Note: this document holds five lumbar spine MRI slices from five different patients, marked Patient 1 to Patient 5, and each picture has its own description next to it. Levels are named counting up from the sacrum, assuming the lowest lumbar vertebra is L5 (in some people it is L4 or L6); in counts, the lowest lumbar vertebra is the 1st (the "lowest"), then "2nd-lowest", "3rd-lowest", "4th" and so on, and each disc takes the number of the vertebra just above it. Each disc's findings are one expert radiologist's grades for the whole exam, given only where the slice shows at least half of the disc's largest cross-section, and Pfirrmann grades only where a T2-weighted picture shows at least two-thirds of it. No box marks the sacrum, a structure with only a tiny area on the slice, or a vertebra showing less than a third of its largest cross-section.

Patient 1 of 5:
Sex M. Image 448x448. Slice 17/24. T2-weighted sagittal MRI of the lumbar spine. Philips Healthcare Ingenia (3T).
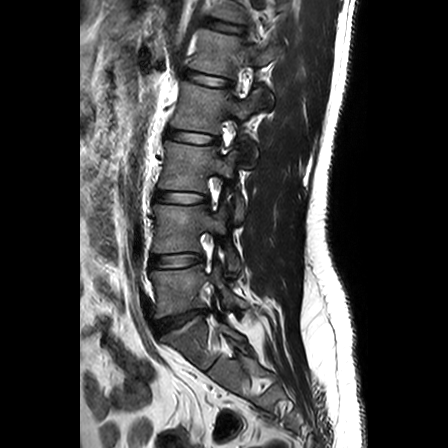
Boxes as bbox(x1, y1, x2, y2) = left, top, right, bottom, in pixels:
3rd-lowest vertebra at bbox(158, 141, 243, 219).
4th disc at bbox(166, 129, 217, 143).
5th vertebra at bbox(190, 28, 281, 110).
5th disc at bbox(182, 70, 231, 86).
Lowest disc at bbox(156, 310, 206, 333).
6th vertebra at bbox(210, 0, 282, 23).
2nd-lowest disc at bbox(150, 254, 203, 267).
6th disc at bbox(201, 18, 240, 32).
4th vertebra at bbox(170, 81, 258, 162).
2nd-lowest vertebra at bbox(153, 205, 240, 272).
Lowest vertebra at bbox(150, 265, 247, 318).
3rd-lowest disc at bbox(154, 191, 208, 202).

Radiological gradings:
• 3rd-lowest disc: Pfirrmann grade 1
• 6th disc: Pfirrmann grade 1
• 4th disc: Pfirrmann grade 1
• 5th disc: Pfirrmann grade 1
• 2nd-lowest disc: Pfirrmann grade 1
• lowest disc: lower-endplate change, Modic type II, upper-endplate change, disc herniation

Patient 2 of 5:
Slice 71/120, T2 SPACE (3D) sagittal MRI of the lumbar spine
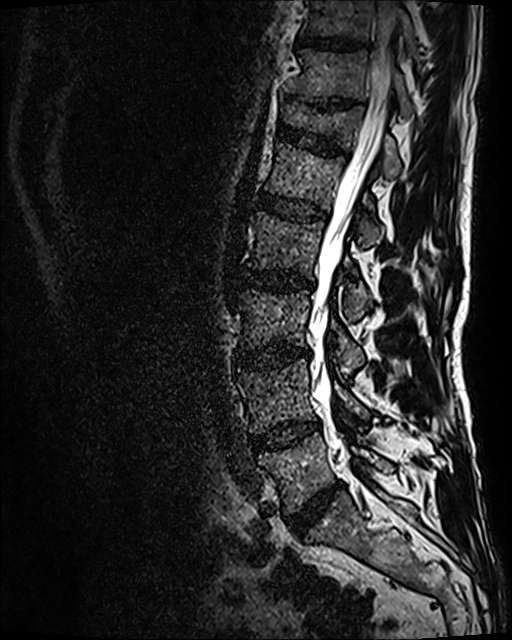

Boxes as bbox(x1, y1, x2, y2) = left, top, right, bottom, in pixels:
Annotations:
* L5 vertebra: bbox(258, 432, 394, 513)
* L2 vertebra: bbox(248, 211, 368, 320)
* IVD L5/S1: bbox(287, 484, 340, 534)
* IVD L2/L3: bbox(236, 269, 313, 291)
* IVD T11/T12: bbox(314, 100, 351, 109)
* L1: bbox(265, 142, 379, 246)
* T10/T11: bbox(297, 37, 360, 49)
* L4: bbox(237, 359, 369, 432)
* spinal canal: bbox(309, 0, 396, 489)
* T12: bbox(281, 104, 399, 180)
* T10 vertebra: bbox(302, 0, 416, 52)
* T11 vertebra: bbox(287, 50, 411, 115)
* L1/L2: bbox(257, 192, 327, 221)
* IVD L3/L4: bbox(236, 347, 309, 368)
* IVD L4/L5: bbox(251, 423, 318, 452)
* IVD T12/L1: bbox(277, 123, 345, 155)
* L3: bbox(239, 290, 363, 377)

Radiological gradings:
• L2/L3: Pfirrmann grade 3, disc bulging, Modic type II
• L5/S1: Pfirrmann grade 4, disc narrowing, disc bulging
• L1/L2: Pfirrmann grade 3
• L3/L4: Pfirrmann grade 4, disc bulging, Modic type II, disc narrowing
• T10/T11: Pfirrmann grade 3
• T12/L1: Pfirrmann grade 3, upper-endplate change, lower-endplate change
• T11/T12: upper-endplate change, disc narrowing, lower-endplate change
• L4/L5: Pfirrmann grade 3, disc bulging, Modic type II

Patient 3 of 5:
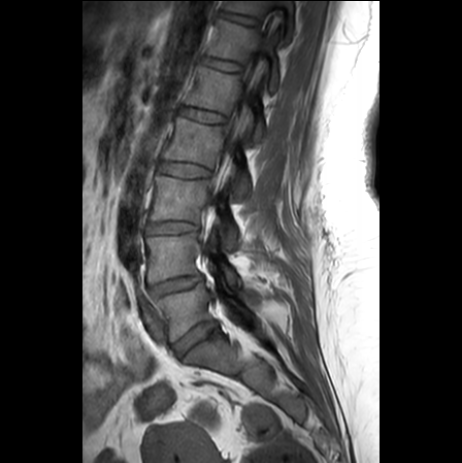

Slice 16/24; Image 462x463; T1-weighted sagittal MRI of the lumbar spine
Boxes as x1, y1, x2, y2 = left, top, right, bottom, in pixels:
L1/L2 at 182, 106, 225, 122.
L3 vertebra at 151, 175, 239, 246.
T11 vertebra at 224, 0, 295, 36.
L2 vertebra at 164, 117, 250, 198.
Disc T12/L1 at 203, 57, 242, 71.
L4 at 146, 230, 241, 286.
T11/T12 at 221, 11, 258, 24.
L3/L4 at 147, 221, 198, 234.
L4/L5 at 150, 274, 202, 297.
Thecal sac / spinal canal at 213, 11, 277, 196.
Disc L5/S1 at 174, 321, 217, 355.
T12 at 207, 19, 278, 90.
L2/L3 at 160, 161, 210, 176.
L1 at 186, 66, 264, 143.
L5 at 158, 279, 258, 340.

Radiological gradings:
- L5/S1: disc narrowing, disc bulging
- L4/L5: disc narrowing, disc bulging
- T12/L1, L3/L4, T11/T12, L1/L2, L2/L3: no herniation, bulging, narrowing, spondylolisthesis, endplate or Modic change recorded

Patient 4 of 5:
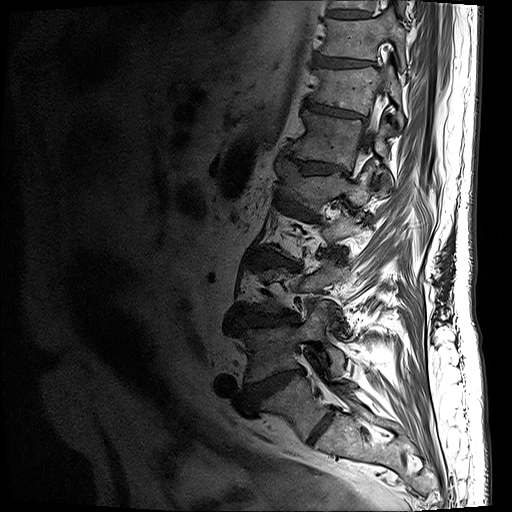 T1-weighted sagittal MRI of the lumbar spine | Image 512x512 | Sex M
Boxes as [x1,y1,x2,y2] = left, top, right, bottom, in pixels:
T12 vertebra: [289,110,392,192]
L1: [277,158,373,205]
L3/L4: [236,309,299,328]
T12/L1: [283,148,348,174]
L4: [242,301,344,382]
intervertebral disc L1/L2: [276,192,311,208]
L4/L5: [247,369,303,405]
intervertebral disc L2/L3: [245,251,300,269]
T10: [319,10,405,66]
T10/T11: [314,54,371,68]
T11 vertebra: [309,65,404,128]
L5/S1: [308,411,333,443]
intervertebral disc T11/T12: [305,100,363,118]
spinal canal: [355,83,385,181]
L3 vertebra: [251,261,347,313]
L5 vertebra: [262,377,355,440]
intervertebral disc T9/T10: [327,10,369,18]

Expert MSK radiologist gradings (per disc):
- T9/T10: lower-endplate change
- L3/L4: disc narrowing, lower-endplate change, disc bulging, upper-endplate change
- T12/L1: disc bulging, upper-endplate change, lower-endplate change, disc narrowing
- L4/L5: disc herniation, Modic type II, disc bulging, lower-endplate change, upper-endplate change, disc narrowing
- T11/T12: upper-endplate change, disc bulging, lower-endplate change, disc narrowing
- T10/T11: disc bulging, lower-endplate change, upper-endplate change
- L2/L3: disc narrowing, upper-endplate change, disc bulging, lower-endplate change, Modic type II

Patient 5 of 5:
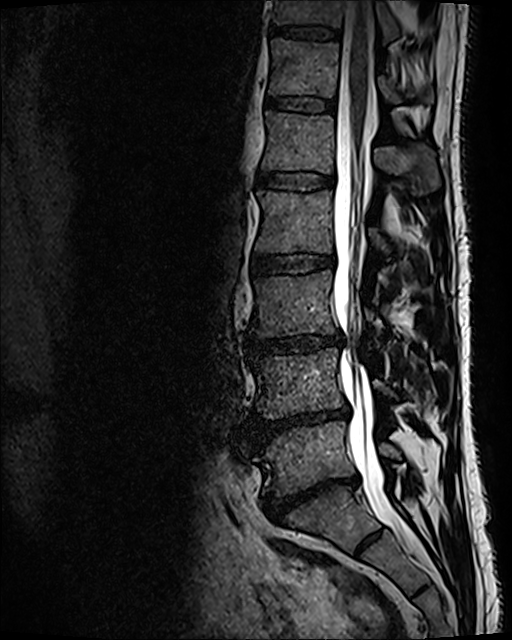

Sex M, Sagittal T2 SPACE (3D) lumbar spine MRI, Slice spacing 0.9 mm, Slice 56 of 120
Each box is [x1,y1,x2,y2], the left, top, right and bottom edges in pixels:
Segmented structures:
* T11/T12 at [269,25,337,39]
* T12/L1 at [267,95,334,111]
* intervertebral disc L3/L4 at [248,335,342,353]
* intervertebral disc L1/L2 at [258,172,333,190]
* L4 at [253,348,395,419]
* L2 at [256,189,388,254]
* L5/S1 at [261,475,358,520]
* L2/L3 at [253,255,333,274]
* L1 vertebra at [261,111,439,191]
* L5 vertebra at [255,421,400,495]
* intervertebral disc L4/L5 at [253,407,348,444]
* L3 at [251,270,382,337]
* T12 vertebra at [269,39,433,104]
* thecal sac / spinal canal at [333,1,419,555]
* T11 at [273,0,434,42]

Per-level radiological findings:
• L5/S1: Pfirrmann grade 5, disc narrowing, spondylolisthesis, disc bulging, lower-endplate change
• L3/L4: Pfirrmann grade 3, disc narrowing, disc bulging
• T12/L1: Pfirrmann grade 2
• T11/T12: Pfirrmann grade 2
• L4/L5: Pfirrmann grade 5, Modic type II, disc narrowing, lower-endplate change, disc bulging
• L1/L2: Pfirrmann grade 2
• L2/L3: Pfirrmann grade 2